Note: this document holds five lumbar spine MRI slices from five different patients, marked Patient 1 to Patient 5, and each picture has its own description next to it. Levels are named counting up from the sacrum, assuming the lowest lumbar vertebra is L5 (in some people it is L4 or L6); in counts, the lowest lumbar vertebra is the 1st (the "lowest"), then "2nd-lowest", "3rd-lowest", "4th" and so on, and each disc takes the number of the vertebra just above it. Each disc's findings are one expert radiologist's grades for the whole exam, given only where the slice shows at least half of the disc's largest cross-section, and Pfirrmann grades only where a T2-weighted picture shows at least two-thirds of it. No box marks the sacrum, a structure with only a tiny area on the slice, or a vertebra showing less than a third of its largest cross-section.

Patient 1 of 5:
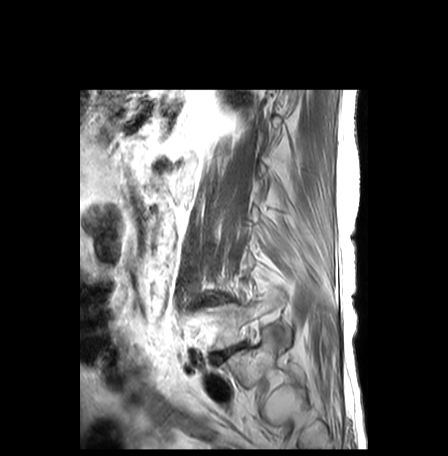

448x456 px | Lumbar spine MR, T2-weighted, sagittal
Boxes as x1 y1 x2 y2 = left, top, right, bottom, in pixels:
• IVD L4/L5 (2nd-lowest disc) at 208 297 229 303
• IVD L5/S1 (lowest disc) at 213 343 244 363
• L5 (lowest vertebra) at 206 289 290 350

Patient 2 of 5:
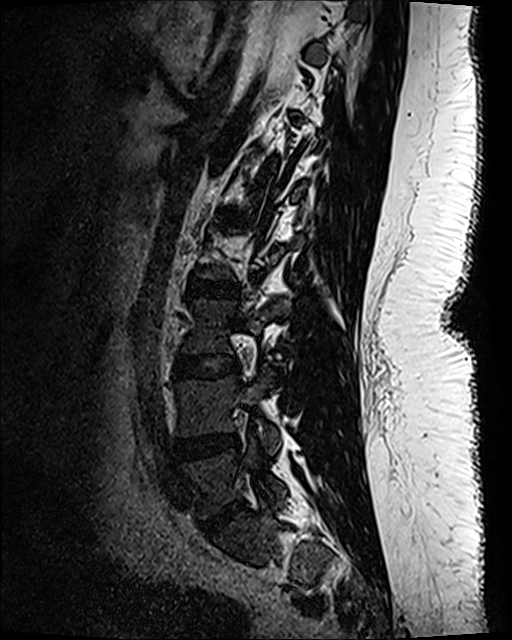 MRI lumbar spine (T2 SPACE (3D)), sagittal plane | Field of view 240x300 mm
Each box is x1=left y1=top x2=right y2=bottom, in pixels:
L4: x1=177 y1=372 x2=280 y2=451
L4/L5: x1=176 y1=435 x2=236 y2=461
IVD L5/S1: x1=201 y1=500 x2=244 y2=533
L5 vertebra: x1=181 y1=439 x2=285 y2=517
IVD L2/L3: x1=186 y1=277 x2=240 y2=299
L3 vertebra: x1=182 y1=300 x2=289 y2=370
L3/L4: x1=175 y1=355 x2=237 y2=377
L1/L2: x1=222 y1=211 x2=245 y2=224

Expert MSK radiologist gradings (per disc):
• L4/L5: Pfirrmann grade 3, disc narrowing, disc bulging
• L3/L4: Pfirrmann grade 1
• L5/S1: disc narrowing, disc bulging
• L2/L3: no Modic or endplate change, herniation, narrowing, bulging or spondylolisthesis recorded

Patient 3 of 5:
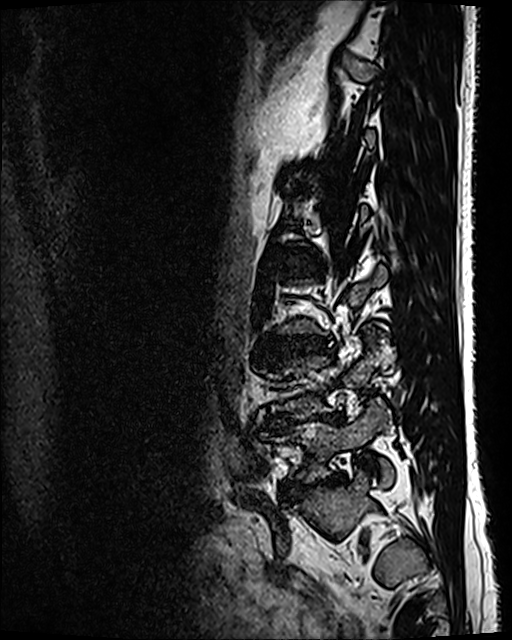
T2 SPACE (3D) sagittal MRI of the lumbar spine; Sagittal slice index 85; Slice spacing 0.9 mm
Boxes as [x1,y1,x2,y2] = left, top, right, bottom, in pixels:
L5/S1 at [289,474,345,495], disc L3/L4 at [270,335,330,353], L5 vertebra at [267,401,392,482], L4/L5 at [273,415,340,425].

Per-level radiological findings:
- L3/L4: disc bulging, disc narrowing

Patient 4 of 5:
T2-weighted sagittal MRI of the lumbar spine. 448x449 px. 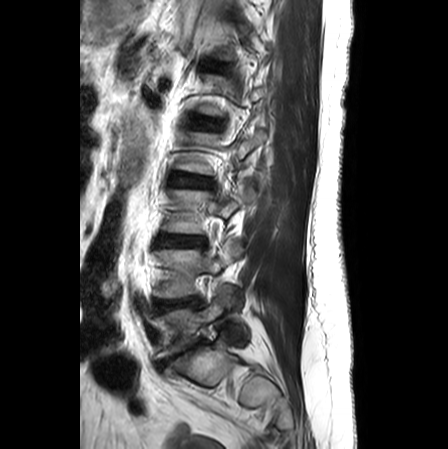 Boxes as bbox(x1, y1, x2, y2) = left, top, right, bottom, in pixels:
2nd-lowest disc: bbox(155, 297, 200, 310).
2nd-lowest vertebra: bbox(154, 242, 242, 297).
4th vertebra: bbox(176, 130, 266, 174).
Lowest disc: bbox(158, 342, 202, 367).
Lowest vertebra: bbox(155, 285, 247, 358).
4th disc: bbox(172, 174, 211, 186).
3rd-lowest disc: bbox(156, 235, 205, 246).
3rd-lowest vertebra: bbox(162, 182, 254, 233).
5th disc: bbox(196, 117, 221, 129).

Degenerative findings by level:
  4th disc: disc bulging
  3rd-lowest disc: Pfirrmann grade 3, disc bulging

Patient 5 of 5:
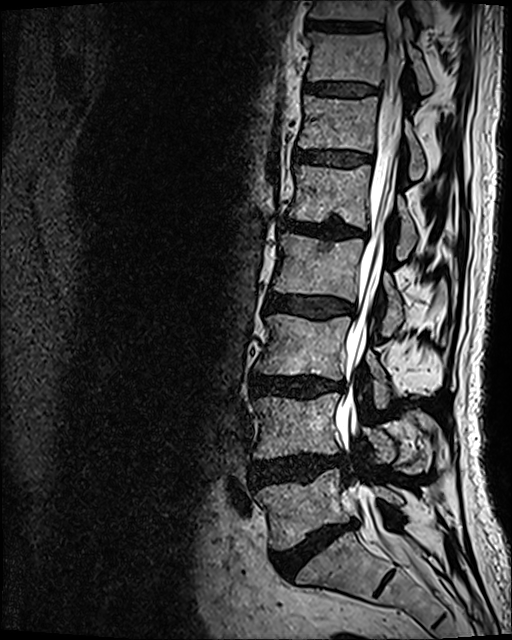 Lumbar spine MR, T2 SPACE (3D), sagittal

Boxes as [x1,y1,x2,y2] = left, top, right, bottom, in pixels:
- IVD L5/S1 = [270,521,356,578]
- T10 vertebra = [310,0,433,28]
- L3/L4 = [251,374,343,398]
- T12 = [299,95,425,180]
- T11 vertebra = [307,22,432,94]
- L1 vertebra = [289,164,417,258]
- thecal sac / spinal canal = [335,16,418,567]
- L4/L5 = [251,454,339,486]
- L5 vertebra = [256,469,403,549]
- L2/L3 = [266,293,351,319]
- L1/L2 = [281,218,366,238]
- L2 = [274,233,404,334]
- IVD T12/L1 = [294,151,370,166]
- L4 vertebra = [254,393,437,472]
- T11/T12 = [305,84,375,96]
- L3 vertebra = [255,314,390,407]
- T10/T11 = [305,18,381,30]

Per-level radiological findings:
• T12/L1: Pfirrmann grade 3
• L2/L3: Pfirrmann grade 3, disc bulging
• L1/L2: Pfirrmann grade 4, disc narrowing, Modic type II, lower-endplate change, disc bulging, upper-endplate change
• L4/L5: Pfirrmann grade 4, disc herniation, disc bulging
• T11/T12: Pfirrmann grade 3
• L3/L4: Pfirrmann grade 4, disc bulging, lower-endplate change, disc narrowing, Modic type II
• L5/S1: Pfirrmann grade 5, lower-endplate change, Modic type II, disc bulging, disc narrowing